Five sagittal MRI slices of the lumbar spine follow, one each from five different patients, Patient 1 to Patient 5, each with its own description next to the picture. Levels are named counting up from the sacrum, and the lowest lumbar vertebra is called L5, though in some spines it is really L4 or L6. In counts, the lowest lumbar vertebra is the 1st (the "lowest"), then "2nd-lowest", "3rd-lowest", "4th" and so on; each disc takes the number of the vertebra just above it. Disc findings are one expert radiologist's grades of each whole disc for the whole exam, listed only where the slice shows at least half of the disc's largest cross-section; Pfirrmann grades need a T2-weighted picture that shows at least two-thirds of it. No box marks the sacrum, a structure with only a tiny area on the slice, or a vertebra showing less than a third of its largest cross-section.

Patient 1 of 5:
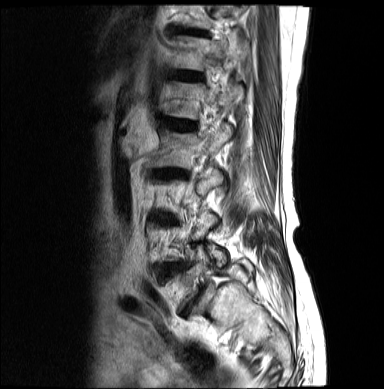

384x389 px; MRI lumbar spine (T2-weighted), sagittal plane
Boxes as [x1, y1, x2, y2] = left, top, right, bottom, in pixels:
L4/L5: [167, 264, 185, 271]
L1/L2: [163, 118, 198, 131]
T12/L1: [171, 71, 203, 80]
T12: [171, 31, 247, 70]
L1 vertebra: [168, 80, 245, 120]
L2 vertebra: [149, 122, 233, 170]
L5 vertebra: [170, 250, 255, 296]
intervertebral disc T11/T12: [169, 28, 208, 36]
L2/L3: [156, 169, 184, 178]
T11: [177, 6, 244, 29]

Per-level radiological findings:
  L1/L2: lower-endplate change, disc bulging
  T11/T12: Pfirrmann grade 4, disc bulging, disc narrowing
  L2/L3: Modic type II, disc bulging, disc narrowing
  T12/L1: no herniation, bulging, narrowing, spondylolisthesis, endplate or Modic change recorded

Patient 2 of 5:
Patient sex: M, Slice spacing 4.4 mm, 613x611 px, Sagittal T2-weighted lumbar spine MRI, Slice 11/18

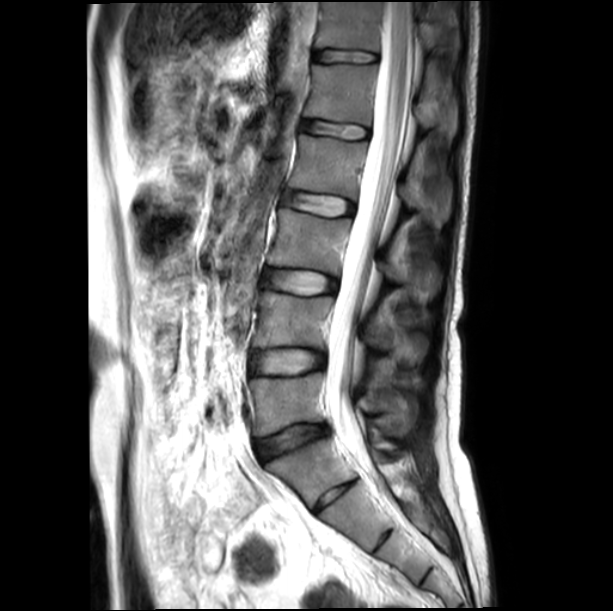
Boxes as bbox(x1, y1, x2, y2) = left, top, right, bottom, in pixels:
Annotations:
- T12 vertebra: bbox(316, 2, 458, 74)
- L3: bbox(268, 208, 435, 297)
- T12/L1: bbox(313, 50, 377, 62)
- L2: bbox(288, 135, 451, 227)
- L5: bbox(250, 373, 408, 435)
- L1: bbox(302, 64, 457, 135)
- L3/L4: bbox(263, 268, 336, 294)
- L2/L3: bbox(282, 191, 354, 215)
- L4/L5: bbox(251, 349, 324, 373)
- L1/L2: bbox(300, 120, 368, 138)
- disc L5/S1: bbox(256, 424, 328, 460)
- spinal canal: bbox(326, 2, 413, 473)
- L4: bbox(253, 291, 428, 363)

Radiological gradings:
  L1/L2: Pfirrmann grade 1
  L3/L4: Pfirrmann grade 1
  L2/L3: Pfirrmann grade 1
  T12/L1: Pfirrmann grade 1
  L5/S1: Pfirrmann grade 2, disc bulging, disc narrowing
  L4/L5: Pfirrmann grade 1

Patient 3 of 5:
Lumbar spine MR, T1-weighted, sagittal; Philips Healthcare Ingenia (3T); 448x448 px; Slice 14 of 24 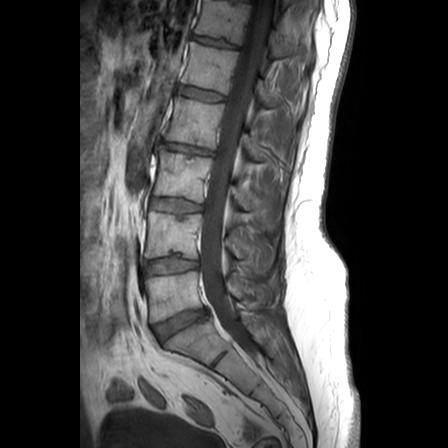 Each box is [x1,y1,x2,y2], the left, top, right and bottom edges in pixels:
L3 (3rd-lowest vertebra) — [154,151,270,228].
L2 (4th vertebra) — [165,97,280,160].
Intervertebral disc L5/S1 (lowest disc) — [153,309,206,340].
Thecal sac / spinal canal — [200,0,271,344].
Intervertebral disc L3/L4 (3rd-lowest disc) — [151,198,201,213].
L2/L3 (4th disc) — [162,142,213,155].
L5 (lowest vertebra) — [144,271,266,322].
Intervertebral disc L4/L5 (2nd-lowest disc) — [145,258,197,274].
L1/L2 (5th disc) — [178,85,225,101].
T12 (6th vertebra) — [195,0,311,60].
L1 (5th vertebra) — [182,42,303,118].
Intervertebral disc T12/L1 (6th disc) — [193,35,238,48].
L4 (2nd-lowest vertebra) — [145,212,269,272].

Radiological gradings:
  L4/L5 (2nd-lowest disc): lower-endplate change
  L2/L3 (4th disc): lower-endplate change, upper-endplate change, disc narrowing, disc bulging
  T12/L1 (6th disc): lower-endplate change, upper-endplate change
  L3/L4 (3rd-lowest disc): upper-endplate change
  L5/S1 (lowest disc): disc herniation
  L1/L2 (5th disc): no herniation, bulging, narrowing, spondylolisthesis, endplate or Modic change recorded

Patient 4 of 5:
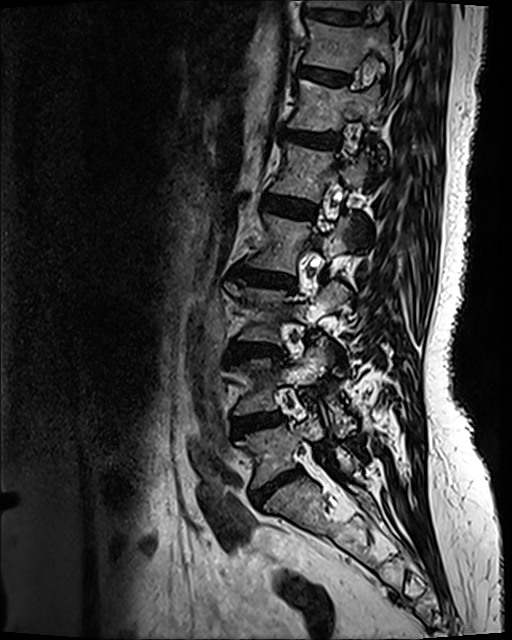 Sagittal T2 SPACE (3D) lumbar spine MRI | Slice 79 of 120
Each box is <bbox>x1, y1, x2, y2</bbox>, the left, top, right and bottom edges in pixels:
L5/S1 (lowest disc): <bbox>253, 470, 300, 504</bbox>.
L5 (lowest vertebra): <bbox>237, 414, 358, 487</bbox>.
T11 (7th vertebra): <bbox>303, 20, 392, 71</bbox>.
L2 (4th vertebra): <bbox>251, 215, 350, 274</bbox>.
T10/T11 (8th disc): <bbox>307, 8, 363, 23</bbox>.
T10 (8th vertebra): <bbox>306, 0, 402, 29</bbox>.
L4 (2nd-lowest vertebra): <bbox>234, 345, 332, 421</bbox>.
T12/L1 (6th disc): <bbox>282, 128, 342, 149</bbox>.
L1 (5th vertebra): <bbox>271, 143, 366, 202</bbox>.
IVD L4/L5 (2nd-lowest disc): <bbox>232, 413, 282, 435</bbox>.
IVD T11/T12 (7th disc): <bbox>299, 66, 349, 83</bbox>.
L1/L2 (5th disc): <bbox>260, 193, 316, 218</bbox>.
L3 (3rd-lowest vertebra): <bbox>225, 282, 348, 344</bbox>.
L2/L3 (4th disc): <bbox>229, 267, 296, 290</bbox>.
T12 (6th vertebra): <bbox>289, 80, 383, 158</bbox>.
L3/L4 (3rd-lowest disc): <bbox>228, 341, 283, 355</bbox>.

Expert MSK radiologist gradings (per disc):
• T10/T11 (8th disc): Pfirrmann grade 2
• L2/L3 (4th disc): Pfirrmann grade 4, lower-endplate change, disc narrowing, disc bulging, upper-endplate change, Modic type II
• L3/L4 (3rd-lowest disc): disc bulging, upper-endplate change, disc narrowing, lower-endplate change, Modic type II
• L1/L2 (5th disc): Pfirrmann grade 2
• L4/L5 (2nd-lowest disc): disc bulging
• L5/S1 (lowest disc): disc narrowing, disc bulging
• T11/T12 (7th disc): Pfirrmann grade 2
• T12/L1 (6th disc): Pfirrmann grade 3, disc bulging

Patient 5 of 5:
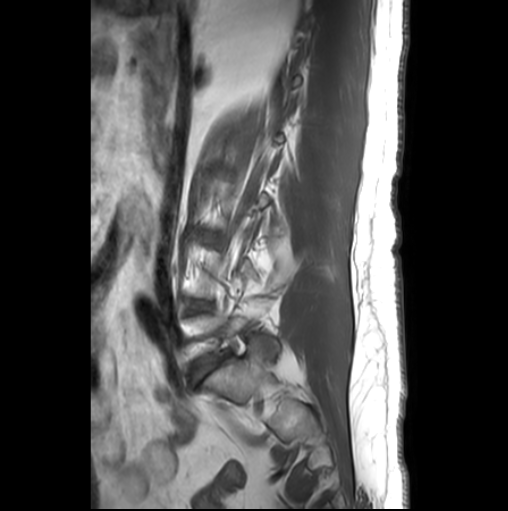 T1-weighted sagittal MRI of the lumbar spine | Patient sex: M

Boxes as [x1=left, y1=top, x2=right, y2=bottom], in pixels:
IVD L5/S1 at [x1=191, y1=361, x2=219, y2=384] | L4/L5 at [x1=194, y1=301, x2=208, y2=308]